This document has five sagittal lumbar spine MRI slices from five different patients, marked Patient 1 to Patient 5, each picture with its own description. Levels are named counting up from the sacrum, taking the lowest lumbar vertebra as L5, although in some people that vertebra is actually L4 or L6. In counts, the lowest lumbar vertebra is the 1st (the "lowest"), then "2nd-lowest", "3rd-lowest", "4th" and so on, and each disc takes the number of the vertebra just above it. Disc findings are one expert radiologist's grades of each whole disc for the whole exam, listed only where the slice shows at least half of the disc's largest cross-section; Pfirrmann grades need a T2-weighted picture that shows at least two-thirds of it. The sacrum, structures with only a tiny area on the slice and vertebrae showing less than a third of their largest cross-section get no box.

Patient 1 of 5:
MRI lumbar spine (T2-weighted), sagittal plane
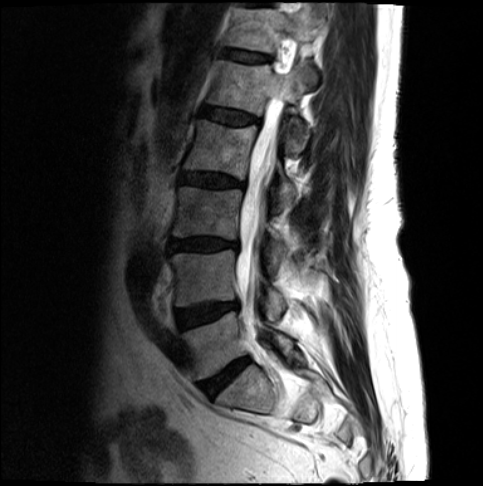 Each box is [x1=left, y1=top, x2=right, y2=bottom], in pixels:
{"6th vertebra": "[x1=226, y1=9, x2=316, y2=83]", "lowest vertebra": "[x1=182, y1=309, x2=301, y2=379]", "4th disc": "[x1=180, y1=173, x2=245, y2=187]", "5th disc": "[x1=199, y1=107, x2=257, y2=125]", "lowest disc": "[x1=204, y1=358, x2=248, y2=395]", "3rd-lowest vertebra": "[x1=172, y1=186, x2=286, y2=270]", "4th vertebra": "[x1=182, y1=119, x2=294, y2=212]", "3rd-lowest disc": "[x1=168, y1=237, x2=236, y2=250]", "5th vertebra": "[x1=206, y1=60, x2=309, y2=152]", "6th disc": "[x1=222, y1=50, x2=268, y2=62]", "2nd-lowest disc": "[x1=176, y1=301, x2=239, y2=328]", "spinal canal": "[x1=235, y1=92, x2=280, y2=297]", "2nd-lowest vertebra": "[x1=168, y1=249, x2=284, y2=320]"}

Expert MSK radiologist gradings (per disc):
- 5th disc: Pfirrmann grade 3, disc bulging
- 2nd-lowest disc: Pfirrmann grade 3, disc bulging
- 6th disc: Pfirrmann grade 3
- lowest disc: disc bulging
- 3rd-lowest disc: Pfirrmann grade 4, disc bulging, disc narrowing
- 4th disc: Pfirrmann grade 4, disc bulging

Patient 2 of 5:
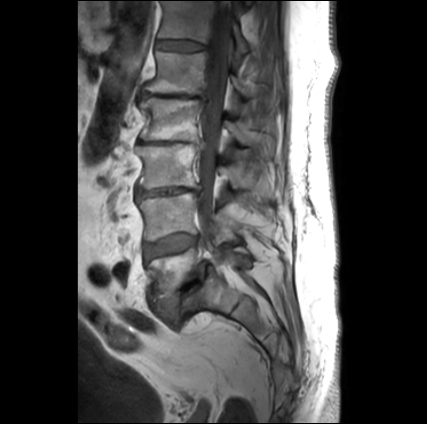
Patient sex: M; Sagittal T1-weighted lumbar spine MRI

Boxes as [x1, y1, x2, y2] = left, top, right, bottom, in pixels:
• L5/S1 (lowest disc) at [153, 262, 209, 319]
• L4 (2nd-lowest vertebra) at [137, 192, 233, 241]
• thecal sac / spinal canal at [198, 1, 233, 234]
• L1/L2 (5th disc) at [141, 92, 204, 99]
• intervertebral disc T12/L1 (6th disc) at [156, 41, 205, 50]
• L5 (lowest vertebra) at [145, 244, 249, 301]
• intervertebral disc L3/L4 (3rd-lowest disc) at [136, 187, 201, 197]
• L1 (5th vertebra) at [143, 51, 253, 97]
• L2 (4th vertebra) at [139, 97, 256, 145]
• intervertebral disc L4/L5 (2nd-lowest disc) at [144, 234, 196, 258]
• L3 (3rd-lowest vertebra) at [136, 143, 251, 189]
• T12 (6th vertebra) at [158, 1, 248, 55]

Expert MSK radiologist gradings (per disc):
• L4/L5 (2nd-lowest disc): Modic type II
• L5/S1 (lowest disc): Modic type II, disc narrowing, disc bulging, spondylolisthesis, lower-endplate change, upper-endplate change
• L1/L2 (5th disc): upper-endplate change, disc bulging, disc herniation, Modic type II, disc narrowing, lower-endplate change
• L3/L4 (3rd-lowest disc): disc bulging, lower-endplate change, upper-endplate change, Modic type II, disc narrowing
• T12/L1 (6th disc): no spondylolisthesis, narrowing, bulging, herniation, Modic or endplate change recorded

Patient 3 of 5:
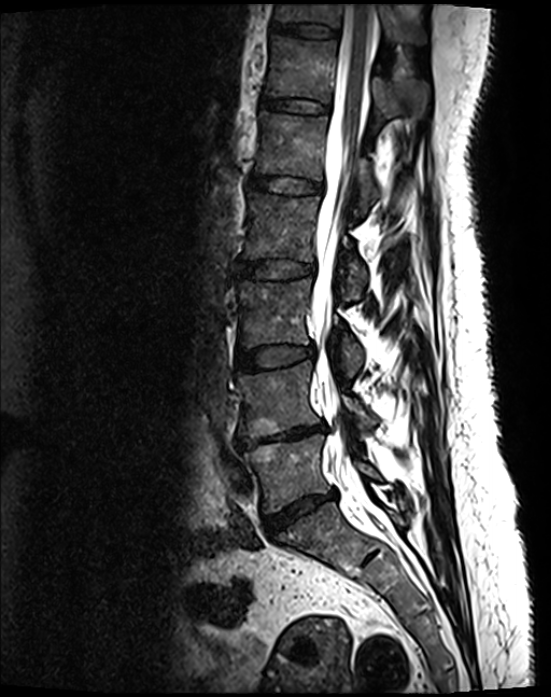
Image 551x697. MRI lumbar spine (T2 SPACE (3D)), sagittal plane. Sagittal slice index 75. Patient sex: F.

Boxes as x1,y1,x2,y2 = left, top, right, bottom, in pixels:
{"L3 (3rd-lowest vertebra)": "237,280,363,374", "thecal sac / spinal canal": "311,4,374,491", "L5/S1 (lowest disc)": "263,492,337,534", "L5 (lowest vertebra)": "244,434,381,513", "IVD L3/L4 (3rd-lowest disc)": "237,344,313,371", "T12/L1 (6th disc)": "261,96,327,112", "T11/T12 (7th disc)": "271,23,337,37", "L4 (2nd-lowest vertebra)": "236,361,377,438", "L1/L2 (5th disc)": "250,175,320,193", "L2/L3 (4th disc)": "237,260,313,279", "T11 (7th vertebra)": "276,4,425,46", "T12 (6th vertebra)": "265,36,429,118", "L1 (5th vertebra)": "255,111,378,208", "L2 (4th vertebra)": "242,191,367,299", "IVD L4/L5 (2nd-lowest disc)": "236,426,324,449"}

Radiological gradings:
  L4/L5 (2nd-lowest disc): Pfirrmann grade 5, disc bulging, upper-endplate change, lower-endplate change, Modic type II, disc narrowing
  L2/L3 (4th disc): Pfirrmann grade 2
  L3/L4 (3rd-lowest disc): Pfirrmann grade 2
  T12/L1 (6th disc): Pfirrmann grade 2
  T11/T12 (7th disc): Pfirrmann grade 2
  L5/S1 (lowest disc): Pfirrmann grade 4, disc bulging, disc narrowing
  L1/L2 (5th disc): Pfirrmann grade 2

Patient 4 of 5:
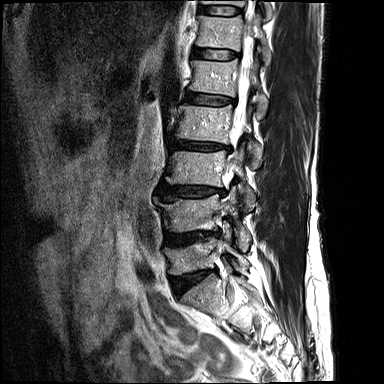 Image 384x384, MRI lumbar spine (T2-weighted), sagittal plane, Slice 6 of 17, Field of view 280x280 mm, slice spacing 4.4 mm
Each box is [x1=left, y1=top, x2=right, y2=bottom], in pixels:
L5 (lowest vertebra) at [x1=164, y1=231, x2=249, y2=274].
Disc T12/L1 (6th disc) at [x1=192, y1=48, x2=238, y2=59].
Disc L1/L2 (5th disc) at [x1=183, y1=90, x2=234, y2=105].
T11 (7th vertebra) at [x1=202, y1=0, x2=273, y2=19].
L4 (2nd-lowest vertebra) at [x1=155, y1=187, x2=251, y2=251].
T11/T12 (7th disc) at [x1=201, y1=6, x2=239, y2=15].
L3/L4 (3rd-lowest disc) at [x1=158, y1=185, x2=225, y2=198].
L2 (4th vertebra) at [x1=174, y1=104, x2=262, y2=159].
T12 (6th vertebra) at [x1=196, y1=13, x2=271, y2=65].
L3 (3rd-lowest vertebra) at [x1=166, y1=148, x2=255, y2=208].
Disc L2/L3 (4th disc) at [x1=169, y1=140, x2=230, y2=150].
L5/S1 (lowest disc) at [x1=172, y1=268, x2=216, y2=294].
L4/L5 (2nd-lowest disc) at [x1=164, y1=231, x2=220, y2=245].
Spinal canal at [x1=227, y1=10, x2=252, y2=173].
L1 (5th vertebra) at [x1=189, y1=59, x2=267, y2=117].

Expert MSK radiologist gradings (per disc):
• L1/L2 (5th disc): Pfirrmann grade 3, lower-endplate change, upper-endplate change, disc bulging
• T12/L1 (6th disc): Pfirrmann grade 2, upper-endplate change, lower-endplate change
• L2/L3 (4th disc): Pfirrmann grade 3, disc bulging, upper-endplate change, disc narrowing, lower-endplate change
• T11/T12 (7th disc): Pfirrmann grade 2
• L4/L5 (2nd-lowest disc): upper-endplate change, lower-endplate change, disc bulging
• L3/L4 (3rd-lowest disc): Pfirrmann grade 3, disc bulging, lower-endplate change, upper-endplate change
• L5/S1 (lowest disc): upper-endplate change, lower-endplate change, disc narrowing, disc bulging

Patient 5 of 5:
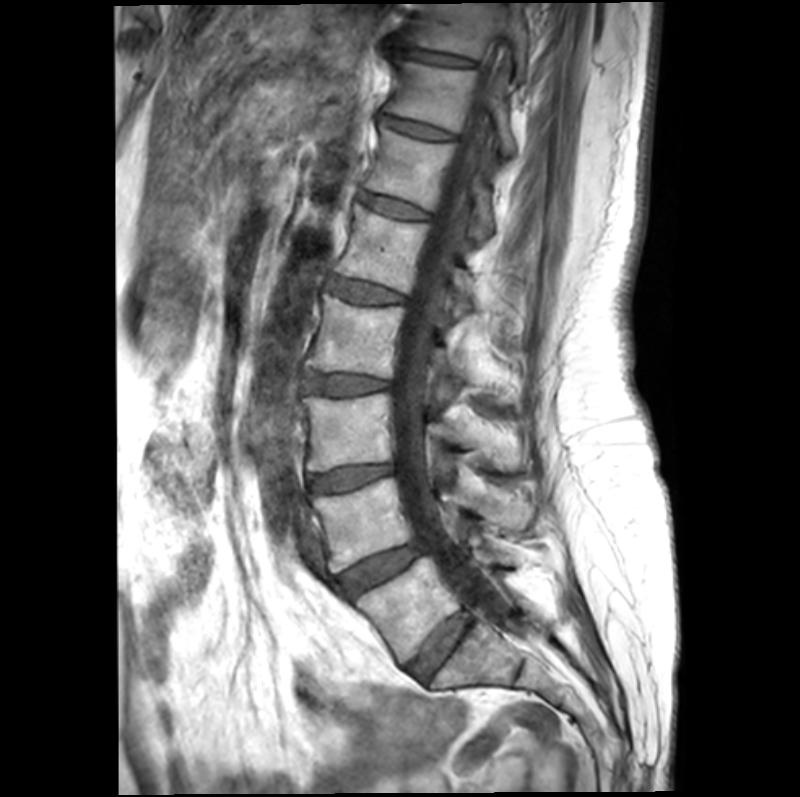 Field of view 310x309 mm; Lumbar spine MR, T1-weighted, sagittal
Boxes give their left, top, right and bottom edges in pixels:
Segmented structures:
• IVD L5/S1 — left=406, top=613, right=470, bottom=680
• T11/T12 — left=380, top=114, right=451, bottom=140
• IVD L1/L2 — left=328, top=277, right=404, bottom=302
• L3/L4 — left=309, top=464, right=392, bottom=491
• thecal sac / spinal canal — left=395, top=86, right=521, bottom=635
• L3 — left=302, top=393, right=513, bottom=471
• L4 — left=312, top=477, right=535, bottom=572
• IVD L4/L5 — left=338, top=545, right=423, bottom=598
• L2/L3 — left=302, top=371, right=389, bottom=394
• T12 — left=366, top=128, right=495, bottom=240
• T10 vertebra — left=403, top=3, right=529, bottom=75
• T10/T11 — left=395, top=48, right=472, bottom=65
• L5 vertebra — left=356, top=529, right=514, bottom=663
• T12/L1 — left=361, top=193, right=430, bottom=219
• L2 — left=306, top=294, right=472, bottom=381
• L1 — left=335, top=206, right=480, bottom=310
• T11 vertebra — left=385, top=60, right=516, bottom=154

Expert MSK radiologist gradings (per disc):
- L2/L3: disc bulging, upper-endplate change, lower-endplate change, Modic type II
- T12/L1: Modic type II
- L4/L5: Modic type II
- L3/L4: upper-endplate change, disc narrowing, Modic type II, lower-endplate change, disc bulging
- L5/S1: Modic type II
- L1/L2: Modic type II, upper-endplate change, lower-endplate change
- T11/T12, T10/T11: no herniation, bulging, narrowing, spondylolisthesis, endplate or Modic change recorded